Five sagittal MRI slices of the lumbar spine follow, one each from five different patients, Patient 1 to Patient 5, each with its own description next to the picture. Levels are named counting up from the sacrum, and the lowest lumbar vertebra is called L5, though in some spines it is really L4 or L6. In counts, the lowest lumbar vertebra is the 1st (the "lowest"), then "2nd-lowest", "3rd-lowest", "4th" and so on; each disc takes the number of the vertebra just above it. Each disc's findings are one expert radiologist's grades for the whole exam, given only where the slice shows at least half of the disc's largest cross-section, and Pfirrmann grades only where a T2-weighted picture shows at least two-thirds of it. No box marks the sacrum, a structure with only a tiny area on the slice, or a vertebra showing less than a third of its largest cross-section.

Patient 1 of 5:
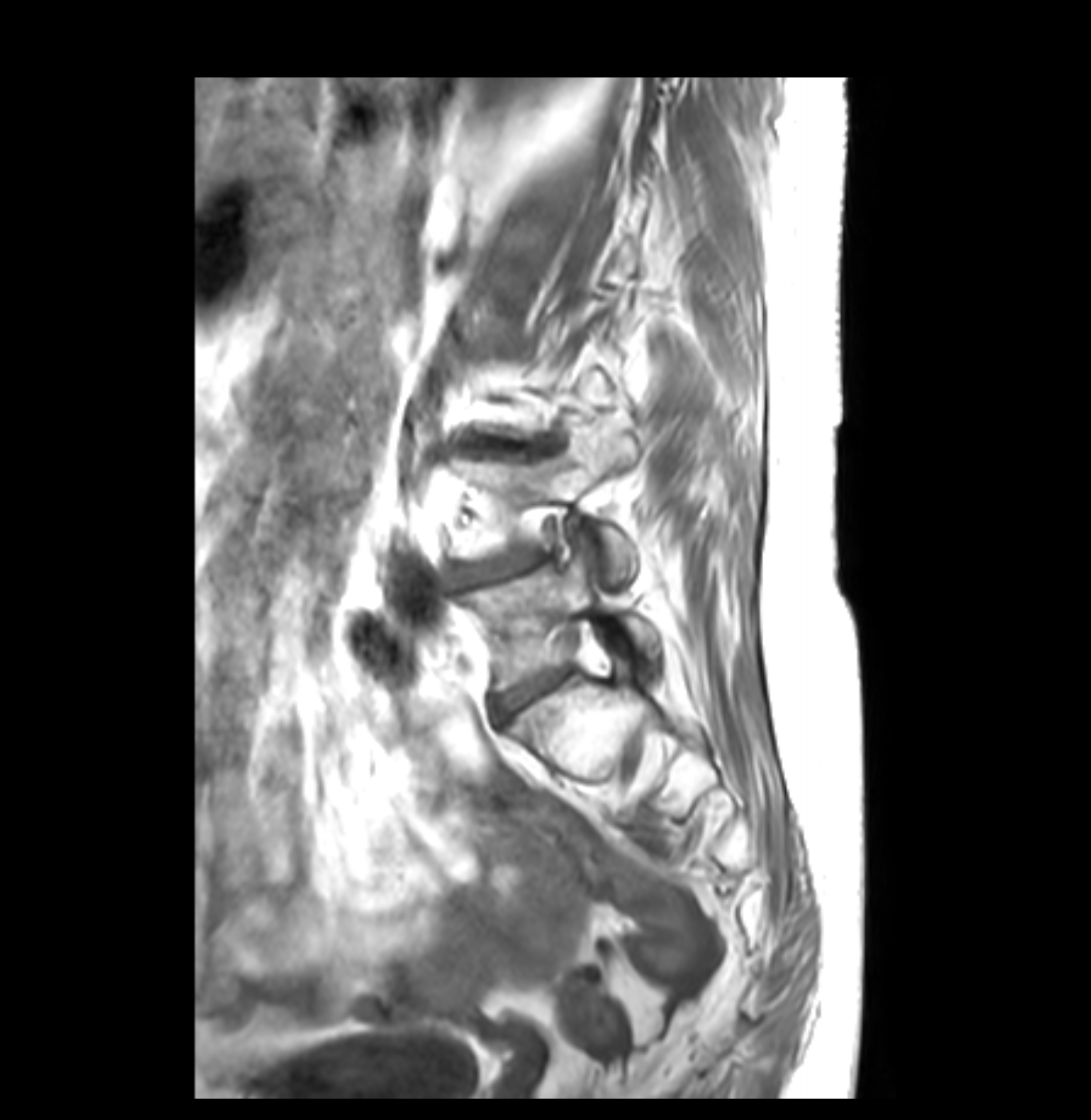 Sex F. MRI lumbar spine (T1-weighted), sagittal plane.
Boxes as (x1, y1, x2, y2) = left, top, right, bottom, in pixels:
L5 (lowest vertebra) at (463, 554, 657, 689), IVD L4/L5 (2nd-lowest disc) at (451, 552, 545, 582), L5/S1 (lowest disc) at (492, 667, 570, 717), L4 (2nd-lowest vertebra) at (451, 439, 638, 586), IVD L3/L4 (3rd-lowest disc) at (485, 439, 550, 451).

Patient 2 of 5:
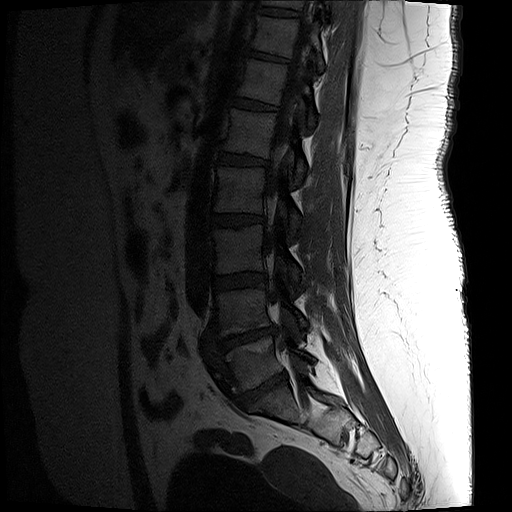 Lumbar spine MR, T1-weighted, sagittal. Sex F. Slice 12 of 17.
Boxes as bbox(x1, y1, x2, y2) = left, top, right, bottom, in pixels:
{"L2 (4th vertebra)": "bbox(214, 166, 302, 234)", "T10/T11 (8th disc)": "bbox(257, 6, 298, 16)", "intervertebral disc T12/L1 (6th disc)": "bbox(233, 98, 275, 110)", "intervertebral disc L3/L4 (3rd-lowest disc)": "bbox(213, 272, 265, 289)", "T11 (7th vertebra)": "bbox(250, 15, 325, 71)", "intervertebral disc T11/T12 (7th disc)": "bbox(246, 49, 287, 62)", "L1 (5th vertebra)": "bbox(224, 108, 306, 183)", "L5 (lowest vertebra)": "bbox(217, 336, 313, 392)", "intervertebral disc L4/L5 (2nd-lowest disc)": "bbox(216, 326, 276, 352)", "spinal canal": "bbox(264, 0, 315, 315)", "intervertebral disc L2/L3 (4th disc)": "bbox(212, 214, 263, 226)", "L3 (3rd-lowest vertebra)": "bbox(212, 225, 301, 283)", "intervertebral disc L1/L2 (5th disc)": "bbox(219, 152, 267, 165)", "L5/S1 (lowest disc)": "bbox(237, 372, 286, 408)", "T10 (8th vertebra)": "bbox(260, 0, 331, 13)", "L4 (2nd-lowest vertebra)": "bbox(214, 284, 307, 336)", "T12 (6th vertebra)": "bbox(237, 58, 316, 127)"}

Expert MSK radiologist gradings (per disc):
  L1/L2 (5th disc): lower-endplate change
  L2/L3 (4th disc): upper-endplate change, lower-endplate change
  T11/T12 (7th disc): lower-endplate change
  L5/S1 (lowest disc): upper-endplate change, lower-endplate change, disc herniation, Modic type II, disc narrowing
  L4/L5 (2nd-lowest disc): upper-endplate change, disc narrowing, Modic type II, disc herniation, lower-endplate change
  T12/L1 (6th disc), L3/L4 (3rd-lowest disc): no spondylolisthesis, narrowing, bulging, herniation, Modic or endplate change recorded

Patient 3 of 5:
Sagittal T2-weighted lumbar spine MRI 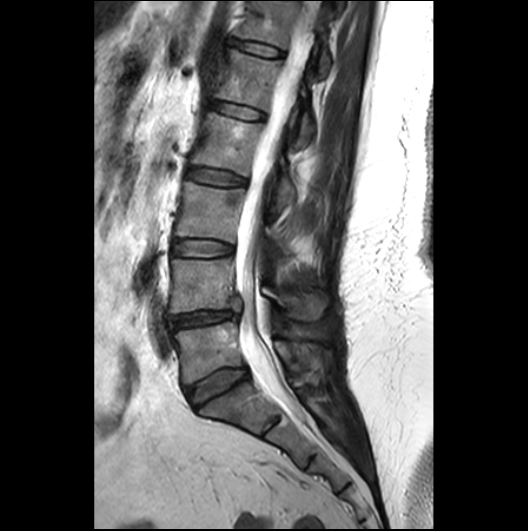 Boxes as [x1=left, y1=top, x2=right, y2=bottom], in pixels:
Spinal canal at [x1=234, y1=2, x2=321, y2=416], L5 (lowest vertebra) at [x1=174, y1=322, x2=322, y2=383], disc L3/L4 (3rd-lowest disc) at [x1=173, y1=239, x2=232, y2=256], T12 (6th vertebra) at [x1=237, y1=1, x2=330, y2=75], L1 (5th vertebra) at [x1=214, y1=50, x2=313, y2=145], L4/L5 (2nd-lowest disc) at [x1=168, y1=311, x2=233, y2=328], L1/L2 (5th disc) at [x1=212, y1=101, x2=264, y2=119], L2 (4th vertebra) at [x1=191, y1=113, x2=295, y2=207], L4 (2nd-lowest vertebra) at [x1=170, y1=258, x2=326, y2=320], L3 (3rd-lowest vertebra) at [x1=175, y1=182, x2=291, y2=254], L2/L3 (4th disc) at [x1=186, y1=168, x2=245, y2=184], L5/S1 (lowest disc) at [x1=186, y1=367, x2=247, y2=407], T12/L1 (6th disc) at [x1=231, y1=39, x2=283, y2=55].

Radiological gradings:
  L1/L2 (5th disc): Pfirrmann grade 2
  L2/L3 (4th disc): Pfirrmann grade 2
  L5/S1 (lowest disc): Pfirrmann grade 3
  L3/L4 (3rd-lowest disc): Pfirrmann grade 2
  T12/L1 (6th disc): Pfirrmann grade 2
  L4/L5 (2nd-lowest disc): Pfirrmann grade 3, disc narrowing, disc herniation

Patient 4 of 5:
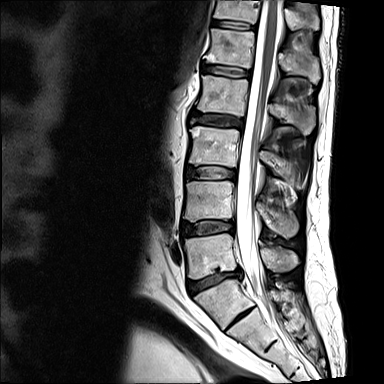

Sagittal slice index 7; Field of view 280x280 mm, slice spacing 4.8 mm; T2-weighted sagittal MRI of the lumbar spine
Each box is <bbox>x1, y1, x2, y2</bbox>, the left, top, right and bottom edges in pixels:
Annotations:
* 4th vertebra at <bbox>196, 75, 316, 135</bbox>
* lowest disc at <bbox>187, 269, 242, 294</bbox>
* 6th disc at <bbox>212, 21, 256, 29</bbox>
* 2nd-lowest disc at <bbox>182, 221, 233, 235</bbox>
* 6th vertebra at <bbox>214, 0, 318, 30</bbox>
* 2nd-lowest vertebra at <bbox>183, 181, 298, 237</bbox>
* thecal sac / spinal canal at <bbox>236, 0, 282, 304</bbox>
* 5th vertebra at <bbox>206, 29, 318, 82</bbox>
* 5th disc at <bbox>202, 64, 251, 77</bbox>
* 4th disc at <bbox>192, 112, 243, 128</bbox>
* 3rd-lowest vertebra at <bbox>189, 126, 283, 175</bbox>
* 3rd-lowest disc at <bbox>187, 167, 236, 179</bbox>
* lowest vertebra at <bbox>183, 233, 296, 279</bbox>

Radiological gradings:
- 3rd-lowest disc: Pfirrmann grade 2
- 5th disc: Pfirrmann grade 2, upper-endplate change, Modic type II, lower-endplate change
- 6th disc: Pfirrmann grade 2
- 4th disc: Pfirrmann grade 3, lower-endplate change, Modic type II, upper-endplate change, disc bulging
- 2nd-lowest disc: Pfirrmann grade 2, lower-endplate change, upper-endplate change, disc bulging
- lowest disc: Pfirrmann grade 3, disc narrowing, upper-endplate change, disc herniation, lower-endplate change, Modic type II

Patient 5 of 5:
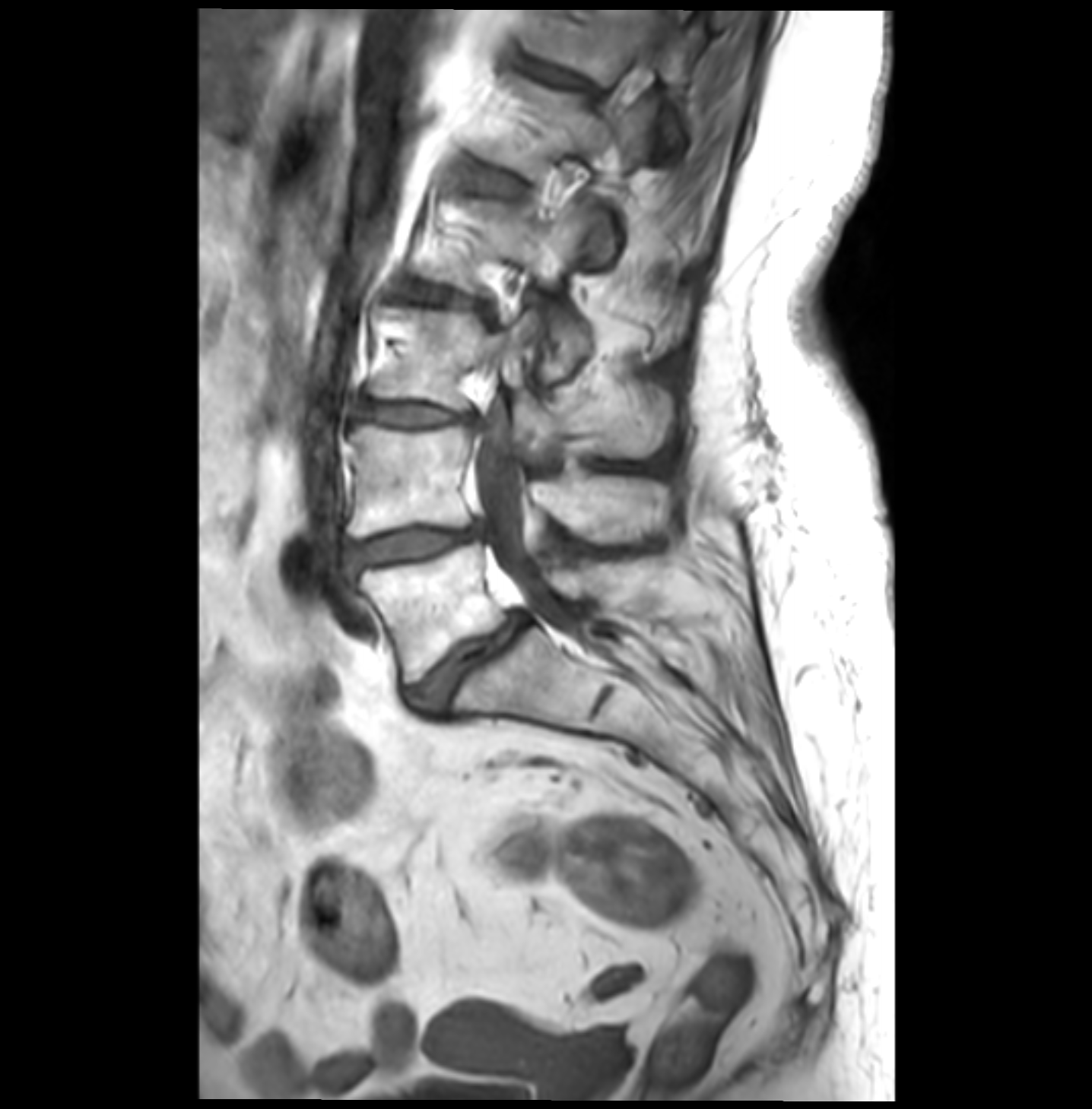 Sagittal T1-weighted lumbar spine MRI.

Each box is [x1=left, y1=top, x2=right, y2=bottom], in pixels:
{"T12 vertebra": "[x1=525, y1=10, x2=683, y2=157]", "L4": "[x1=348, y1=425, x2=671, y2=540]", "L5 vertebra": "[x1=360, y1=543, x2=638, y2=682]", "spinal canal": "[x1=476, y1=14, x2=666, y2=635]", "IVD L3/L4": "[x1=362, y1=402, x2=479, y2=426]", "L3": "[x1=370, y1=307, x2=671, y2=455]", "L2/L3": "[x1=401, y1=280, x2=485, y2=307]", "IVD L4/L5": "[x1=348, y1=525, x2=479, y2=575]", "L5/S1": "[x1=411, y1=613, x2=528, y2=712]", "IVD T12/L1": "[x1=525, y1=61, x2=597, y2=95]", "L1/L2": "[x1=464, y1=163, x2=518, y2=197]", "L2": "[x1=425, y1=203, x2=681, y2=381]", "L1 vertebra": "[x1=478, y1=78, x2=652, y2=266]"}

Degenerative findings by level:
- L5/S1: Modic type II, disc narrowing, disc bulging, spondylolisthesis
- L4/L5: disc narrowing, disc bulging, Modic type II
- L3/L4: disc narrowing, disc bulging, Modic type II